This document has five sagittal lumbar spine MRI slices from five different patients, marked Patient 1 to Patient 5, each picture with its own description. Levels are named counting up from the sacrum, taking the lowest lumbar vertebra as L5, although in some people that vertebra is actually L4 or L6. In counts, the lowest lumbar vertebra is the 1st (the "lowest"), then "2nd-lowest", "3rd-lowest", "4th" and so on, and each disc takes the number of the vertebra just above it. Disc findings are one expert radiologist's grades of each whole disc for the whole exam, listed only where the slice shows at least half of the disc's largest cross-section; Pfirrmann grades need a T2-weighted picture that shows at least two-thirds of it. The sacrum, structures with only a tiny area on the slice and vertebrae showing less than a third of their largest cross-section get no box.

Patient 1 of 5:
MRI lumbar spine (T1-weighted), sagittal plane

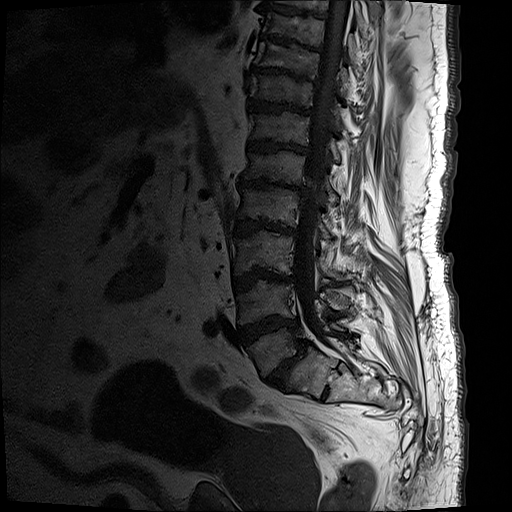
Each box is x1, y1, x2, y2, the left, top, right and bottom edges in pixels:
L5 vertebra — 246, 318, 346, 375 | thecal sac / spinal canal — 294, 1, 353, 337 | L2 — 237, 186, 334, 237 | T12 — 247, 111, 342, 162 | T9/T10 — 258, 35, 319, 50 | IVD L1/L2 — 235, 176, 306, 193 | IVD L2/L3 — 234, 219, 295, 235 | T11 — 251, 72, 348, 132 | L1 — 241, 150, 338, 201 | IVD L4/L5 — 236, 314, 298, 345 | IVD T10/T11 — 251, 64, 311, 82 | L4 — 236, 280, 354, 325 | IVD L5/S1 — 266, 340, 306, 386 | T12/L1 — 246, 139, 308, 154 | T10 — 255, 39, 351, 96 | T11/T12 — 246, 98, 313, 115 | L3/L4 — 231, 270, 292, 291 | L3 vertebra — 229, 230, 357, 279

Per-level radiological findings:
• L5/S1: upper-endplate change, disc bulging, lower-endplate change, Modic type II, spondylolisthesis, disc narrowing
• L2/L3: lower-endplate change, disc narrowing, Modic type II, disc bulging, upper-endplate change
• L1/L2: upper-endplate change, Modic type II, disc narrowing, disc bulging, lower-endplate change
• T11/T12: disc narrowing, upper-endplate change, lower-endplate change, disc bulging, Modic type II
• L4/L5: lower-endplate change, Modic type II, disc narrowing, upper-endplate change, disc bulging
• T10/T11: Modic type II, upper-endplate change, disc narrowing, lower-endplate change, disc bulging
• T12/L1: lower-endplate change, Modic type II, upper-endplate change, disc narrowing, disc bulging
• L3/L4: Modic type II, upper-endplate change, lower-endplate change, disc narrowing, disc bulging
• T9/T10: Modic type II, upper-endplate change, disc narrowing, disc bulging, lower-endplate change

Patient 2 of 5:
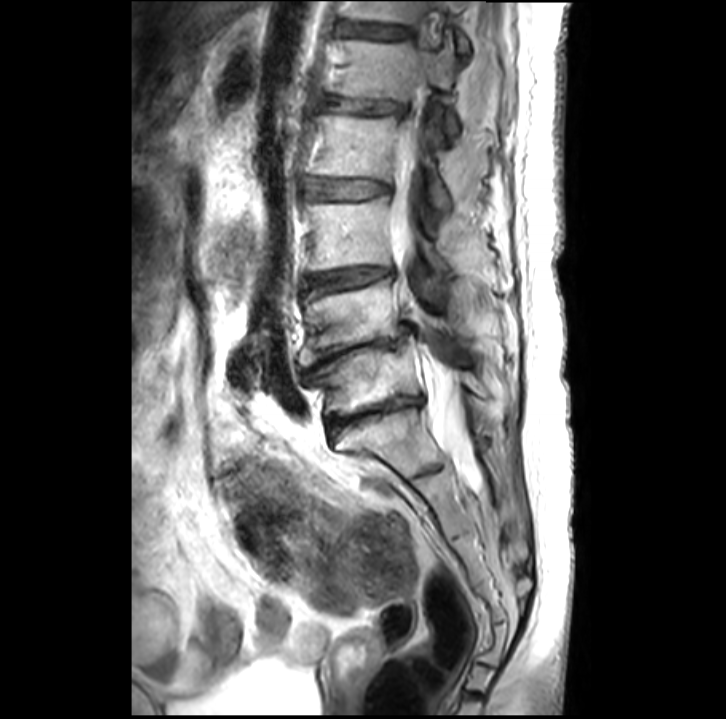 726x719 px. Slice 14/32. MRI lumbar spine (T2-weighted), sagittal plane. Slice spacing 3.4 mm.
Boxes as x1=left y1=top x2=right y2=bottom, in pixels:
L3/L4 — x1=309 y1=268 x2=389 y2=286 | spinal canal — x1=391 y1=123 x2=484 y2=487 | L5/S1 — x1=328 y1=396 x2=421 y2=436 | L4 — x1=299 y1=278 x2=470 y2=364 | L3 vertebra — x1=304 y1=195 x2=452 y2=276 | L4/L5 — x1=309 y1=324 x2=412 y2=375 | L1 — x1=335 y1=36 x2=458 y2=136 | L2/L3 — x1=307 y1=178 x2=387 y2=198 | disc L1/L2 — x1=329 y1=96 x2=403 y2=113 | L5 vertebra — x1=310 y1=335 x2=485 y2=414 | T12 — x1=350 y1=0 x2=468 y2=50 | T12/L1 — x1=344 y1=23 x2=409 y2=37 | L2 — x1=312 y1=114 x2=450 y2=208

Degenerative findings by level:
- T12/L1: Pfirrmann grade 2, disc bulging
- L4/L5: Pfirrmann grade 5, disc narrowing
- L2/L3: Pfirrmann grade 2
- L5/S1: Pfirrmann grade 5, Modic type II, disc narrowing
- L1/L2: Pfirrmann grade 4, disc narrowing, disc bulging
- L3/L4: Pfirrmann grade 3, Modic type II, disc narrowing

Patient 3 of 5:
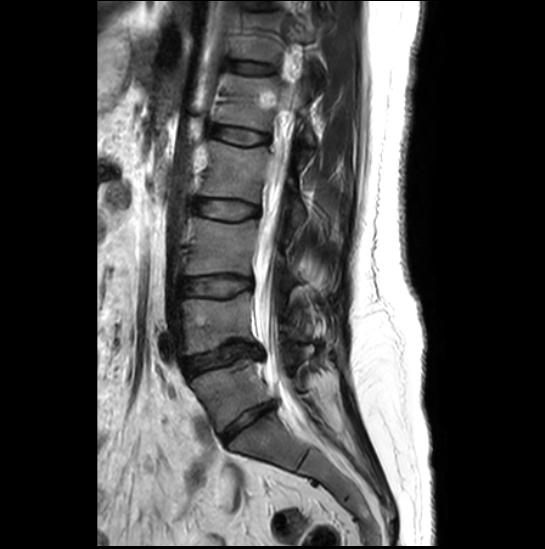
Sex F, 545x549 px, Sagittal T2-weighted lumbar spine MRI
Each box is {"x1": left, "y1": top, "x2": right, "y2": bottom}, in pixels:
Disc L2/L3: {"x1": 193, "y1": 200, "x2": 257, "y2": 219}.
L2 vertebra: {"x1": 199, "y1": 141, "x2": 304, "y2": 241}.
L4: {"x1": 181, "y1": 292, "x2": 310, "y2": 354}.
L1/L2: {"x1": 212, "y1": 126, "x2": 268, "y2": 144}.
L1 vertebra: {"x1": 215, "y1": 74, "x2": 315, "y2": 145}.
T12 vertebra: {"x1": 230, "y1": 11, "x2": 312, "y2": 61}.
L4/L5: {"x1": 185, "y1": 343, "x2": 259, "y2": 374}.
L3: {"x1": 186, "y1": 218, "x2": 338, "y2": 291}.
T12/L1: {"x1": 231, "y1": 62, "x2": 274, "y2": 74}.
L5: {"x1": 191, "y1": 360, "x2": 304, "y2": 431}.
Spinal canal: {"x1": 254, "y1": 104, "x2": 296, "y2": 404}.
Disc L3/L4: {"x1": 184, "y1": 277, "x2": 251, "y2": 296}.
Disc L5/S1: {"x1": 223, "y1": 403, "x2": 273, "y2": 441}.

Expert MSK radiologist gradings (per disc):
- L4/L5: Pfirrmann grade 1, disc narrowing, lower-endplate change, upper-endplate change, disc herniation, Modic type II
- L5/S1: Pfirrmann grade 3, disc narrowing
- L1/L2: Pfirrmann grade 1
- L3/L4: Pfirrmann grade 2
- L2/L3: Pfirrmann grade 4
- T12/L1: no spondylolisthesis, narrowing, bulging, herniation, Modic or endplate change recorded

Patient 4 of 5:
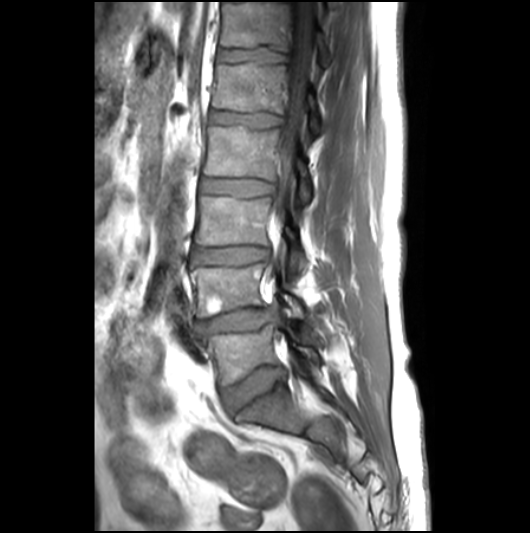

T1-weighted sagittal MRI of the lumbar spine | Sagittal slice index 14

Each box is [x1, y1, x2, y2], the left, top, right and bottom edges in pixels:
Segmented structures:
* L5: [203, 324, 319, 384]
* L2 vertebra: [204, 126, 310, 202]
* thecal sac / spinal canal: [274, 2, 313, 222]
* L3/L4: [193, 246, 267, 264]
* L3: [195, 196, 306, 278]
* L4: [191, 253, 305, 318]
* L2/L3: [201, 178, 273, 198]
* L5/S1: [221, 365, 284, 413]
* disc L1/L2: [210, 110, 280, 129]
* L1 vertebra: [213, 63, 322, 134]
* disc T12/L1: [217, 46, 285, 63]
* T12 vertebra: [221, 2, 330, 66]
* disc L4/L5: [196, 308, 274, 334]

Radiological gradings:
- L4/L5: disc bulging, disc herniation, disc narrowing, Modic type II
- L3/L4: disc bulging, upper-endplate change
- T12/L1: lower-endplate change
- L5/S1: disc bulging
- L1/L2, L2/L3: no spondylolisthesis, narrowing, bulging, herniation, Modic or endplate change recorded

Patient 5 of 5:
Slice 63 of 120 | Sagittal T2 SPACE (3D) lumbar spine MRI
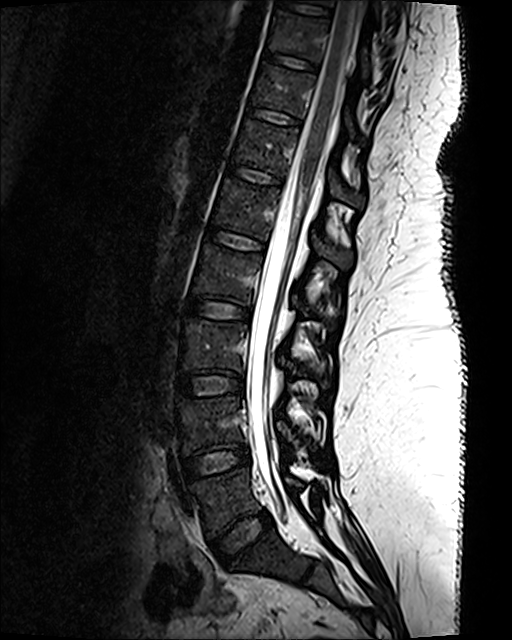 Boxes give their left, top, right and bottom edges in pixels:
7th disc at left=249, top=106, right=301, bottom=124; 5th disc at left=207, top=229, right=264, bottom=250; thecal sac / spinal canal at left=246, top=0, right=360, bottom=507; 4th vertebra at left=192, top=244, right=309, bottom=317; lowest disc at left=213, top=511, right=272, bottom=564; 3rd-lowest vertebra at left=180, top=318, right=299, bottom=375; 5th vertebra at left=212, top=179, right=351, bottom=267; 4th disc at left=186, top=298, right=250, bottom=319; 2nd-lowest vertebra at left=177, top=395, right=296, bottom=453; 3rd-lowest disc at left=178, top=374, right=243, bottom=396; 8th vertebra at left=270, top=11, right=367, bottom=75; 8th disc at left=265, top=52, right=317, bottom=70; 7th vertebra at left=252, top=64, right=351, bottom=134; lowest vertebra at left=189, top=467, right=300, bottom=537; 2nd-lowest disc at left=183, top=445, right=250, bottom=478; 6th vertebra at left=234, top=119, right=363, bottom=206; 6th disc at left=229, top=164, right=281, bottom=185.

Per-level radiological findings:
  6th disc: Pfirrmann grade 1
  5th disc: Pfirrmann grade 1
  lowest disc: Pfirrmann grade 1
  8th disc: Pfirrmann grade 1
  4th disc: Pfirrmann grade 1
  2nd-lowest disc: Pfirrmann grade 1
  7th disc: Pfirrmann grade 1
  3rd-lowest disc: Pfirrmann grade 1